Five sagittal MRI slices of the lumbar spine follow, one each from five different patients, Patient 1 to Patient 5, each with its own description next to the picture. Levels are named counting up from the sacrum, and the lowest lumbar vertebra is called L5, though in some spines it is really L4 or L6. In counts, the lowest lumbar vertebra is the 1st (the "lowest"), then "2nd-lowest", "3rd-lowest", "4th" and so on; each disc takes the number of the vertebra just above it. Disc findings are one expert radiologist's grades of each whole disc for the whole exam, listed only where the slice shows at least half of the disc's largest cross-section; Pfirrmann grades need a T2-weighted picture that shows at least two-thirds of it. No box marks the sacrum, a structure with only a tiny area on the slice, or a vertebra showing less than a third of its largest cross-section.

Patient 1 of 5:
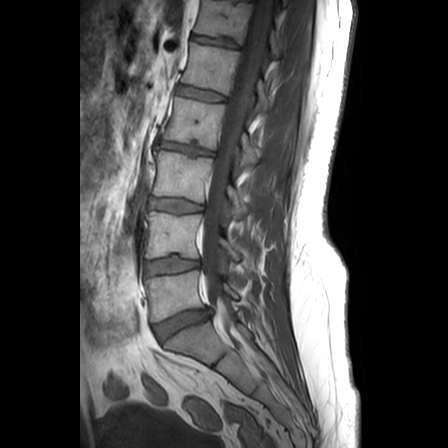 Lumbar spine MR, T1-weighted, sagittal

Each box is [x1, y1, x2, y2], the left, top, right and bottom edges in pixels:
L1 (5th vertebra): [182, 43, 270, 114].
Disc L3/L4 (3rd-lowest disc): [151, 198, 201, 213].
L2 (4th vertebra): [163, 97, 256, 170].
L4/L5 (2nd-lowest disc): [145, 256, 198, 274].
Disc T12/L1 (6th disc): [192, 35, 237, 48].
L4 (2nd-lowest vertebra): [145, 212, 238, 261].
L1/L2 (5th disc): [177, 85, 224, 101].
L5/S1 (lowest disc): [154, 310, 209, 340].
Thecal sac / spinal canal: [202, 0, 273, 337].
L2/L3 (4th disc): [158, 141, 213, 155].
L5 (lowest vertebra): [145, 270, 237, 321].
L3 (3rd-lowest vertebra): [154, 150, 243, 218].
T12 (6th vertebra): [196, 0, 280, 58].

Radiological gradings:
  L4/L5 (2nd-lowest disc): lower-endplate change
  T12/L1 (6th disc): upper-endplate change, lower-endplate change
  L2/L3 (4th disc): disc bulging, upper-endplate change, lower-endplate change, disc narrowing
  L3/L4 (3rd-lowest disc): upper-endplate change
  L5/S1 (lowest disc): disc herniation
  L1/L2 (5th disc): no herniation, bulging, narrowing, spondylolisthesis, endplate or Modic change recorded

Patient 2 of 5:
Scanner: SIEMENS Aera (1.5T), Sagittal T1-weighted lumbar spine MRI, Patient sex: F, Sagittal slice index 12, 320x320 px

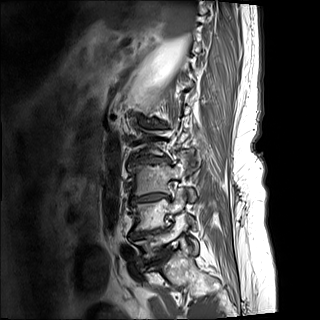

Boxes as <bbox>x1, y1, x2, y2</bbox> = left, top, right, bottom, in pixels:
L4 (2nd-lowest vertebra): <bbox>131, 188, 185, 231</bbox>
IVD L3/L4 (3rd-lowest disc): <bbox>130, 192, 170, 203</bbox>
L5 (lowest vertebra): <bbox>133, 216, 198, 262</bbox>
IVD L5/S1 (lowest disc): <bbox>145, 252, 170, 265</bbox>
L3 (3rd-lowest vertebra): <bbox>128, 152, 196, 201</bbox>
L2/L3 (4th disc): <bbox>130, 156, 170, 163</bbox>
L4/L5 (2nd-lowest disc): <bbox>130, 227, 166, 239</bbox>

Degenerative findings by level:
• L4/L5 (2nd-lowest disc): Modic type II, lower-endplate change, disc bulging, disc narrowing, upper-endplate change
• L2/L3 (4th disc): disc narrowing, lower-endplate change, Modic type I, disc bulging, upper-endplate change
• L3/L4 (3rd-lowest disc): disc bulging, lower-endplate change, upper-endplate change, Modic type II, disc narrowing
• L5/S1 (lowest disc): disc bulging, disc narrowing, upper-endplate change, Modic type II, lower-endplate change

Patient 3 of 5:
Patient sex: M | Image 264x266 | T1-weighted sagittal MRI of the lumbar spine

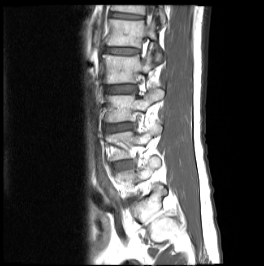

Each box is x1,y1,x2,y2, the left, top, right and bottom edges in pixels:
3rd-lowest disc at 108,123,131,131 | 6th disc at 111,12,142,19 | 6th vertebra at 111,5,165,25 | 5th vertebra at 107,18,161,61 | 4th vertebra at 102,51,153,83 | 5th disc at 105,48,138,53 | 4th disc at 105,85,134,93 | 2nd-lowest disc at 115,161,127,167 | 3rd-lowest vertebra at 106,89,163,122

Radiological gradings:
• 5th disc: upper-endplate change, Modic type II, lower-endplate change
• 4th disc: Modic type II
• 6th disc: upper-endplate change, lower-endplate change

Patient 4 of 5:
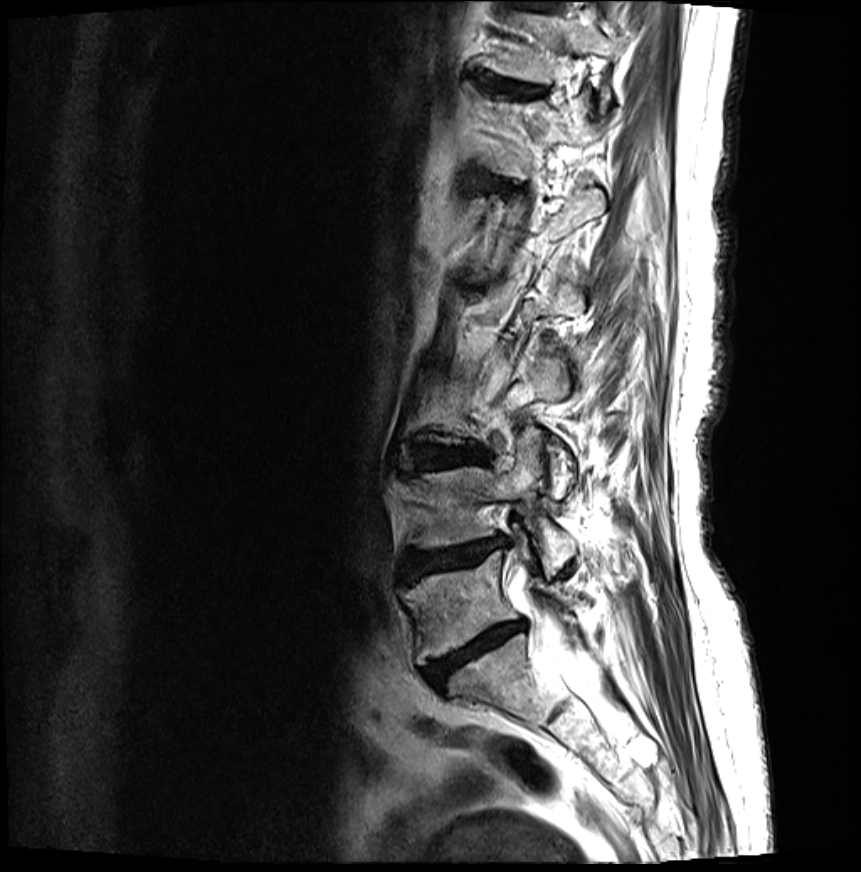 861x872 px. Lumbar spine MR, T2-weighted, sagittal. Sex F. Sagittal slice index 7.
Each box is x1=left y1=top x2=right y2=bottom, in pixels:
Annotations:
• intervertebral disc L3/L4 (3rd-lowest disc): x1=420 y1=447 x2=480 y2=467
• T11/T12 (7th disc): x1=489 y1=82 x2=542 y2=98
• L5 (lowest vertebra): x1=404 y1=533 x2=577 y2=665
• thecal sac / spinal canal: x1=548 y1=626 x2=596 y2=697
• intervertebral disc L5/S1 (lowest disc): x1=425 y1=621 x2=524 y2=687
• T11 (7th vertebra): x1=486 y1=14 x2=626 y2=102
• L4 (2nd-lowest vertebra): x1=414 y1=428 x2=576 y2=573
• L4/L5 (2nd-lowest disc): x1=405 y1=536 x2=505 y2=580

Radiological gradings:
  L4/L5 (2nd-lowest disc): Pfirrmann grade 4, disc bulging, lower-endplate change, disc narrowing, upper-endplate change, disc herniation, Modic type II
  L5/S1 (lowest disc): Pfirrmann grade 5, Modic type II, disc narrowing, upper-endplate change, disc bulging, lower-endplate change

Patient 5 of 5:
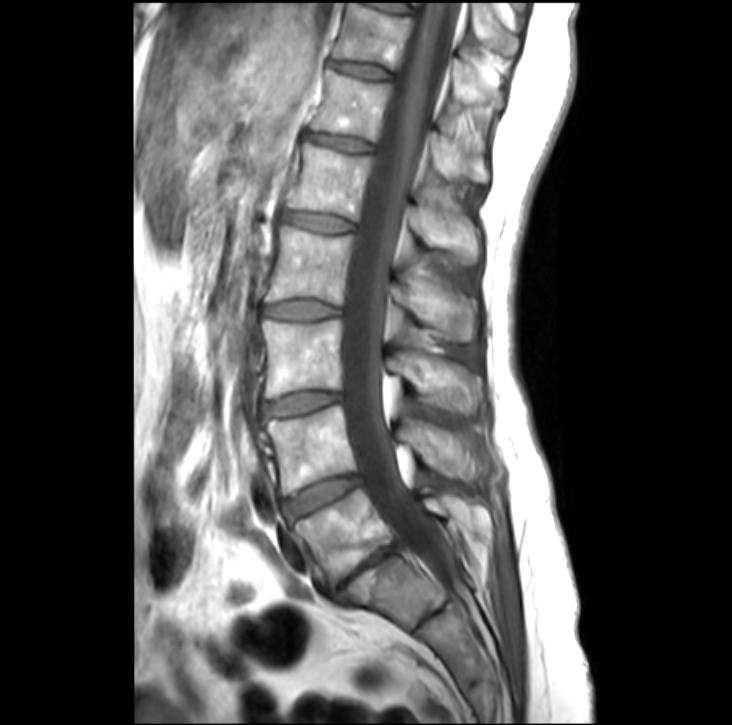

Slice spacing 3.3 mm, Sagittal slice index 15, T1-weighted sagittal MRI of the lumbar spine, Patient sex: F

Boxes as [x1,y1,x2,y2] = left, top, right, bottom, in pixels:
T12/L1: [302,133,368,151] | L5/S1: [331,545,399,595] | L5: [295,491,459,587] | L3/L4: [264,393,340,416] | L2: [265,227,476,340] | T12: [309,69,487,182] | IVD L1/L2: [279,212,351,233] | L4 vertebra: [263,406,482,496] | spinal canal: [341,0,460,590] | L1 vertebra: [286,145,480,262] | IVD T11/T12: [329,61,387,79] | L2/L3: [261,301,337,319] | L3 vertebra: [261,320,483,411] | T11 vertebra: [331,3,503,109] | IVD L4/L5: [282,477,362,517]

Radiological gradings:
  L3/L4: disc bulging
  L5/S1: disc narrowing, Modic type II, disc bulging, upper-endplate change, lower-endplate change
  L4/L5: disc bulging
  T12/L1, T11/T12, L1/L2, L2/L3: no herniation, bulging, narrowing, spondylolisthesis, endplate or Modic change recorded